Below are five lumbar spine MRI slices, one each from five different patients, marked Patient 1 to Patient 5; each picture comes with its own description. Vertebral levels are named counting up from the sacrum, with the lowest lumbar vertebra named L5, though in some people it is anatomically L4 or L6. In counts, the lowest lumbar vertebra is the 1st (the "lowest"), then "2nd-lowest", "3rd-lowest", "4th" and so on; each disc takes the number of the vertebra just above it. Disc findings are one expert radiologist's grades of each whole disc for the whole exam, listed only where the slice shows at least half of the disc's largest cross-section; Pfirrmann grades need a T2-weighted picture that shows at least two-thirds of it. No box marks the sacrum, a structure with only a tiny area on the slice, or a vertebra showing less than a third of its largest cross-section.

Patient 1 of 5:
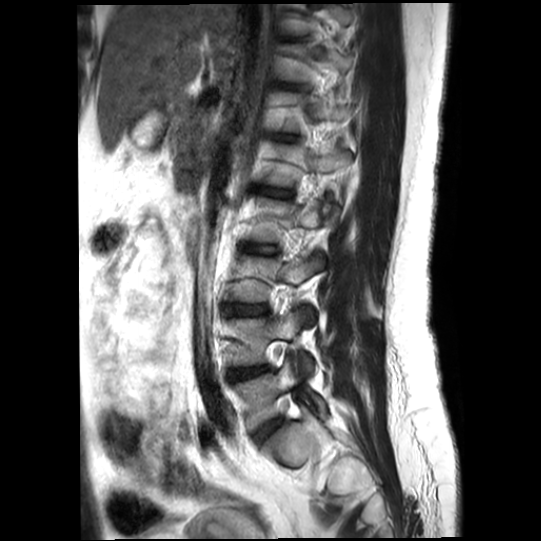
Image 541x541. T2-weighted sagittal MRI of the lumbar spine.
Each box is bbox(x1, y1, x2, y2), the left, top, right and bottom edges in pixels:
Segmented structures:
- 5th disc — bbox(259, 188, 289, 196)
- 2nd-lowest disc — bbox(232, 368, 264, 378)
- 3rd-lowest disc — bbox(223, 304, 265, 315)
- lowest disc — bbox(257, 420, 280, 437)
- 2nd-lowest vertebra — bbox(229, 311, 312, 369)
- 6th vertebra — bbox(277, 92, 352, 131)
- 3rd-lowest vertebra — bbox(225, 256, 322, 302)
- 7th vertebra — bbox(283, 44, 353, 81)
- 4th disc — bbox(243, 244, 276, 255)
- 5th vertebra — bbox(265, 142, 351, 185)
- lowest vertebra — bbox(236, 360, 325, 428)

Radiological gradings:
• 3rd-lowest disc: disc bulging, upper-endplate change, lower-endplate change, disc narrowing

Patient 2 of 5:
Slice 2/15; Lumbar spine MR, T2-weighted, sagittal
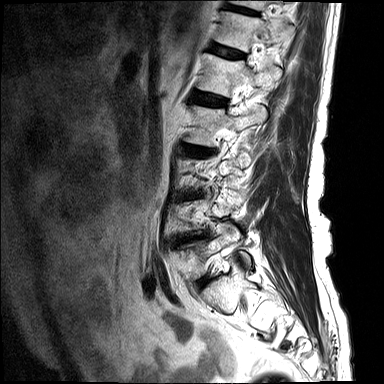

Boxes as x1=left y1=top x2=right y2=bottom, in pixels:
{"T11/T12": "x1=230 y1=5 x2=255 y2=15", "disc L1/L2": "x1=195 y1=92 x2=226 y2=106", "disc L5/S1": "x1=202 y1=276 x2=210 y2=286", "T12/L1": "x1=209 y1=42 x2=244 y2=59", "L1 vertebra": "x1=199 y1=53 x2=281 y2=95", "T12": "x1=216 y1=11 x2=293 y2=51", "disc L2/L3": "x1=191 y1=146 x2=204 y2=152", "L2": "x1=188 y1=106 x2=266 y2=145"}

Degenerative findings by level:
• L1/L2: Pfirrmann grade 3
• T12/L1: Pfirrmann grade 3

Patient 3 of 5:
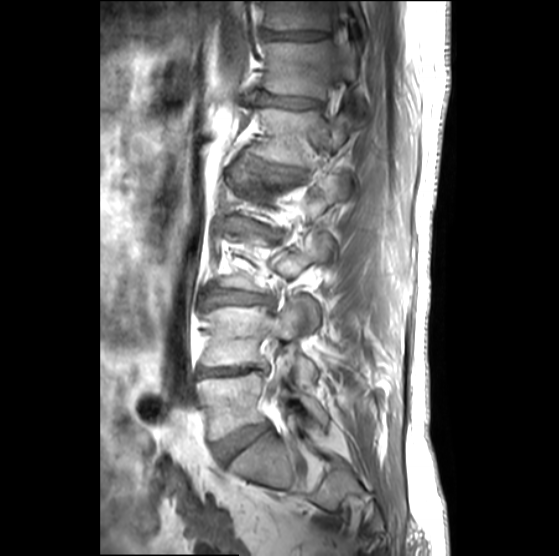
MRI lumbar spine (T1-weighted), sagittal plane.

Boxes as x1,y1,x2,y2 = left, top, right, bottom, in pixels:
intervertebral disc T11/T12 (7th disc) = 262,29,326,39 | T12 (6th vertebra) = 263,41,367,112 | L4 (2nd-lowest vertebra) = 204,300,317,385 | L4/L5 (2nd-lowest disc) = 199,366,265,375 | L1 (5th vertebra) = 258,108,353,166 | intervertebral disc T12/L1 (6th disc) = 255,91,321,107 | L5/S1 (lowest disc) = 213,422,270,460 | L3/L4 (3rd-lowest disc) = 206,290,272,306 | T11 (7th vertebra) = 264,1,365,29 | intervertebral disc L2/L3 (4th disc) = 231,216,267,231 | L5 (lowest vertebra) = 197,356,329,439 | L1/L2 (5th disc) = 268,164,298,173

Degenerative findings by level:
  L5/S1 (lowest disc): disc bulging
  L4/L5 (2nd-lowest disc): lower-endplate change, disc narrowing, upper-endplate change, Modic type II
  T11/T12 (7th disc): disc narrowing
  T12/L1 (6th disc): disc narrowing
  L3/L4 (3rd-lowest disc): disc bulging

Patient 4 of 5:
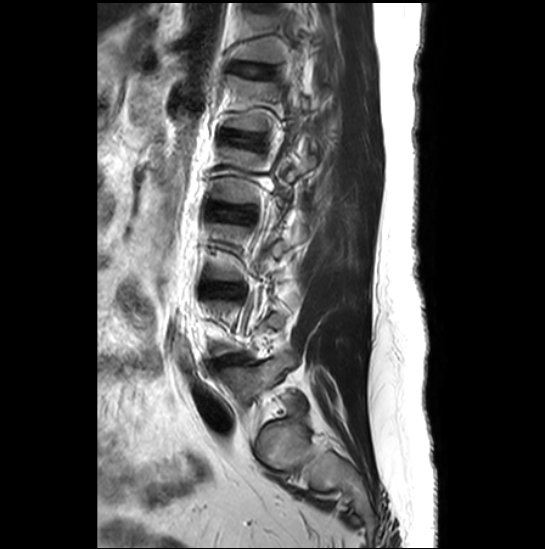 T2-weighted sagittal MRI of the lumbar spine | Field of view 280x282 mm, slice spacing 3.3 mm
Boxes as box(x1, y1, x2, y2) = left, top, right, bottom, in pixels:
L5 vertebra — box(215, 356, 292, 408).
L1 — box(225, 75, 309, 131).
Disc L1/L2 — box(221, 132, 253, 145).
T12/L1 — box(232, 63, 274, 76).
T12 vertebra — box(235, 12, 320, 63).
Disc L3/L4 — box(202, 285, 235, 295).
L2 vertebra — box(212, 146, 316, 203).
Disc L4/L5 — box(209, 354, 242, 367).

Patient 5 of 5:
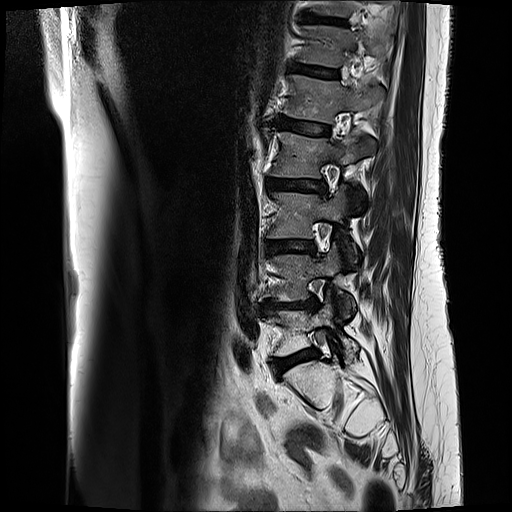 512x512 px. MRI lumbar spine (T2-weighted), sagittal plane. Slice 16 of 17. Patient sex: F.

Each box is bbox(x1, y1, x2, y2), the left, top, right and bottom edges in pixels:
L5: bbox(268, 302, 358, 357)
T11/T12: bbox(307, 17, 346, 24)
intervertebral disc L4/L5: bbox(257, 298, 317, 313)
T12/L1: bbox(292, 65, 339, 77)
L3: bbox(269, 186, 354, 258)
L3/L4: bbox(267, 240, 315, 253)
L1 vertebra: bbox(285, 75, 382, 123)
L1/L2: bbox(275, 116, 330, 134)
T12: bbox(301, 26, 390, 66)
L2 vertebra: bbox(272, 132, 374, 177)
L4: bbox(260, 244, 351, 317)
L5/S1: bbox(273, 348, 318, 375)
intervertebral disc L2/L3: bbox(267, 178, 326, 192)

Expert MSK radiologist gradings (per disc):
  T12/L1: Pfirrmann grade 3, Modic type II
  L2/L3: Pfirrmann grade 3, Modic type II, disc bulging
  L1/L2: Pfirrmann grade 3, Modic type II
  L3/L4: Pfirrmann grade 3, Modic type II, disc bulging